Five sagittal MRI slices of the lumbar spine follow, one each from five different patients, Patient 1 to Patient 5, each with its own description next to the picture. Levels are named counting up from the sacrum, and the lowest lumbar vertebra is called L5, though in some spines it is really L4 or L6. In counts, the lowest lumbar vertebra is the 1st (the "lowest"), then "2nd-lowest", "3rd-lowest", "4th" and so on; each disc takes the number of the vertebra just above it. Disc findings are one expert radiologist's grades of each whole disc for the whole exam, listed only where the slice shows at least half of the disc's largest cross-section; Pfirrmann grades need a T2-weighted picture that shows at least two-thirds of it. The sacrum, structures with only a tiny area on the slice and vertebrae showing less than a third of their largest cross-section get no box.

Patient 1 of 5:
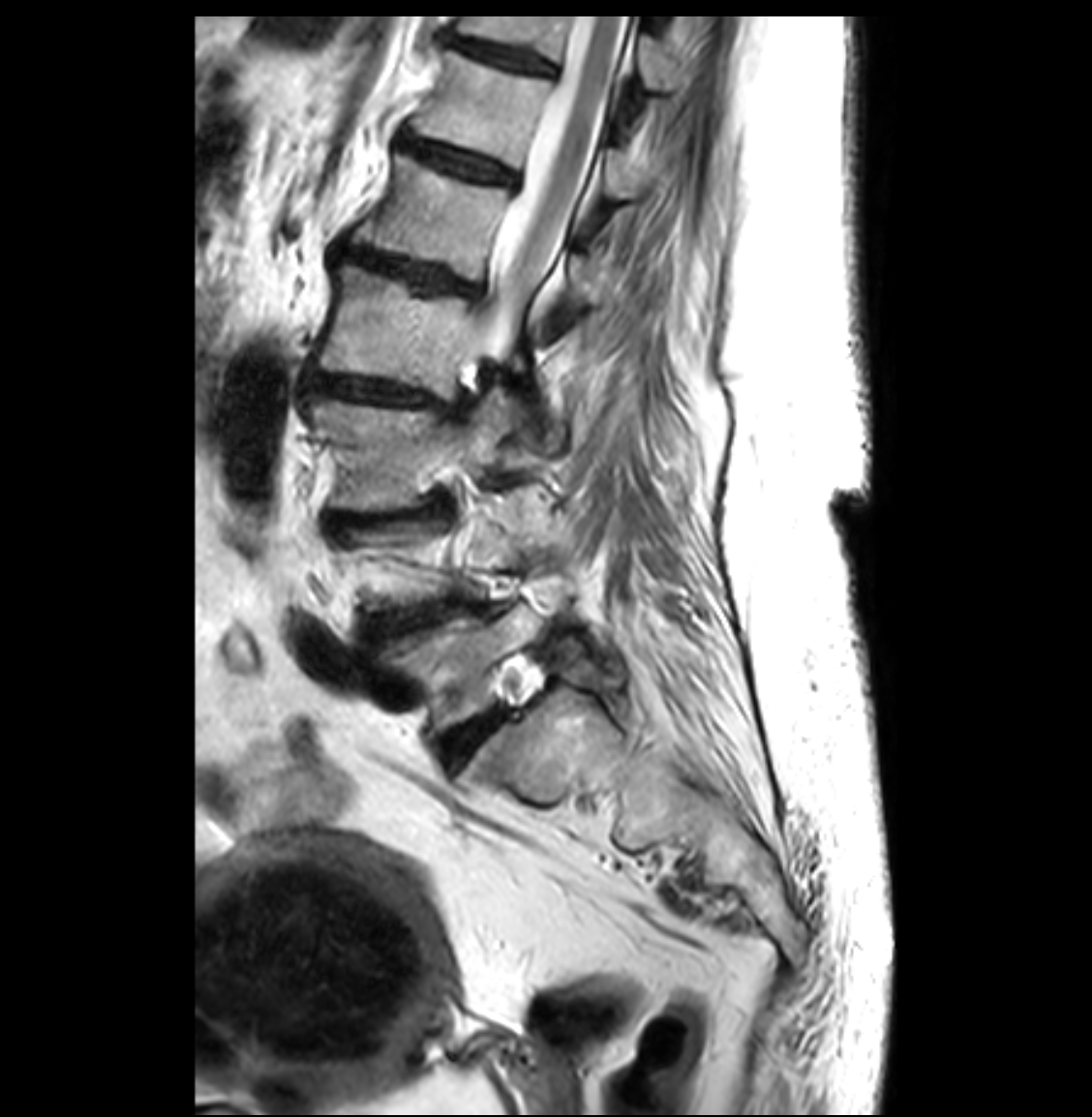
Lumbar spine MR, T2-weighted, sagittal
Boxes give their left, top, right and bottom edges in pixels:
Spinal canal: left=473, top=16, right=628, bottom=360.
T11 (7th vertebra): left=458, top=15, right=680, bottom=91.
Intervertebral disc L2/L3 (4th disc): left=307, top=375, right=447, bottom=408.
L2 (4th vertebra): left=317, top=265, right=523, bottom=398.
T12 (6th vertebra): left=412, top=49, right=638, bottom=198.
L1/L2 (5th disc): left=344, top=246, right=477, bottom=294.
Intervertebral disc L5/S1 (lowest disc): left=441, top=713, right=501, bottom=766.
Intervertebral disc L3/L4 (3rd-lowest disc): left=329, top=501, right=445, bottom=528.
L4/L5 (2nd-lowest disc): left=382, top=600, right=465, bottom=635.
L1 (5th vertebra): left=353, top=155, right=596, bottom=304.
L3 (3rd-lowest vertebra): left=305, top=391, right=513, bottom=510.
L5 (lowest vertebra): left=382, top=602, right=543, bottom=735.
T12/L1 (6th disc): left=403, top=136, right=513, bottom=182.
Intervertebral disc T11/T12 (7th disc): left=453, top=40, right=553, bottom=73.

Per-level radiological findings:
• L1/L2 (5th disc): disc bulging, upper-endplate change, lower-endplate change, disc narrowing
• L2/L3 (4th disc): Pfirrmann grade 4, disc narrowing, lower-endplate change, upper-endplate change, disc bulging
• T11/T12 (7th disc): Pfirrmann grade 4, disc narrowing
• T12/L1 (6th disc): Pfirrmann grade 4, disc bulging, disc narrowing

Patient 2 of 5:
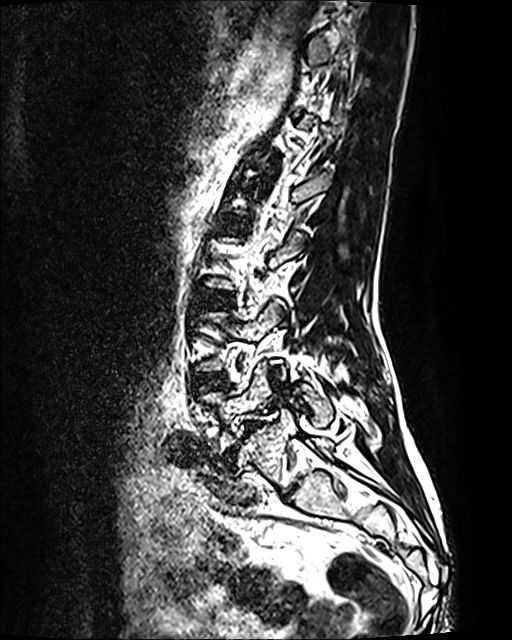 512x640 px. MRI lumbar spine (T2 SPACE (3D)), sagittal plane. Slice 82/120.
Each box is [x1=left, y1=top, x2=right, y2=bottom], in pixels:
L4: [x1=196, y1=302, x2=284, y2=379]
IVD L2/L3: [x1=220, y1=217, x2=238, y2=229]
L5 vertebra: [x1=201, y1=364, x2=332, y2=456]
L5/S1: [x1=213, y1=421, x2=260, y2=469]
L4/L5: [x1=191, y1=374, x2=224, y2=391]
IVD L3/L4: [x1=195, y1=291, x2=229, y2=309]

Degenerative findings by level:
• L5/S1: disc narrowing, spondylolisthesis, Modic type II, disc bulging

Patient 3 of 5:
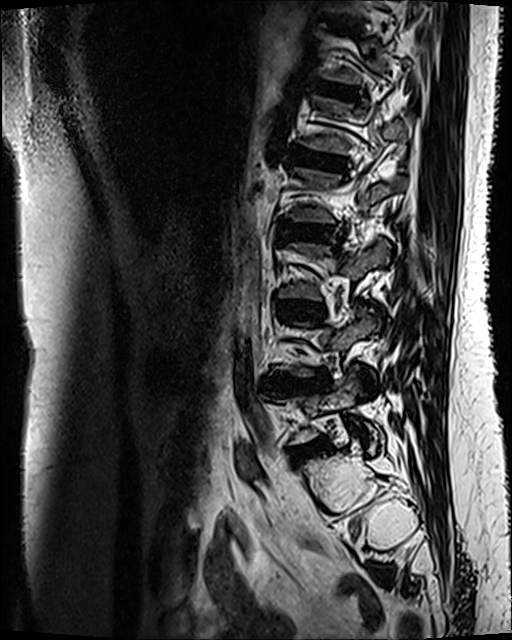
Sex F; Sagittal slice index 89; T2 SPACE (3D) sagittal MRI of the lumbar spine; Field of view 240x300 mm, slice spacing 0.9 mm
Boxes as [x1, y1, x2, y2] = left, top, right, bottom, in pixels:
T12/L1 at [318, 83, 355, 98] | intervertebral disc L5/S1 at [292, 438, 328, 461] | intervertebral disc L2/L3 at [282, 224, 341, 243] | intervertebral disc L1/L2 at [290, 148, 345, 171] | L3/L4 at [277, 301, 323, 316] | L4/L5 at [262, 376, 322, 392]

Per-level radiological findings:
- T12/L1: Modic type II
- L1/L2: Pfirrmann grade 3, Modic type II
- L3/L4: disc bulging, Modic type II
- L2/L3: Pfirrmann grade 3, disc bulging, Modic type II

Patient 4 of 5:
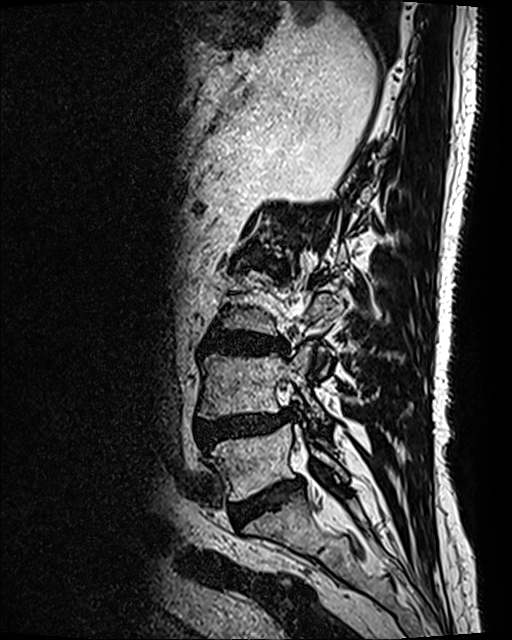 Patient sex: M. MRI lumbar spine (T2 SPACE (3D)), sagittal plane.

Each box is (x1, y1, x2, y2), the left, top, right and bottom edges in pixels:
Disc L5/S1 = (236, 478, 303, 520).
L5 vertebra = (214, 424, 347, 500).
L2/L3 = (264, 261, 281, 271).
L3/L4 = (204, 329, 286, 352).
L4 = (199, 343, 328, 424).
L4/L5 = (196, 414, 284, 449).

Per-level radiological findings:
• L4/L5: Pfirrmann grade 4, spondylolisthesis, disc bulging, upper-endplate change, Modic type II, lower-endplate change, disc narrowing, disc herniation
• L3/L4: Pfirrmann grade 4, upper-endplate change, disc bulging, lower-endplate change
• L5/S1: no Modic or endplate change, herniation, narrowing, bulging or spondylolisthesis recorded

Patient 5 of 5:
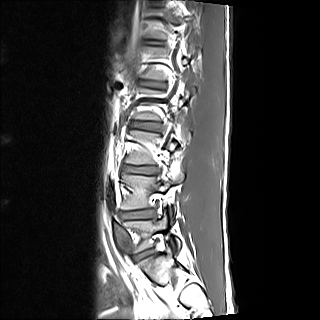
Sagittal slice index 11 | Sagittal T1-weighted lumbar spine MRI
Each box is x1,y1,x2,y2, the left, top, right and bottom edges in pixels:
lowest vertebra at 122,211,181,252 | lowest disc at 137,250,151,258 | 4th disc at 132,122,160,130 | 2nd-lowest vertebra at 121,171,183,212 | 3rd-lowest disc at 124,166,157,174 | 2nd-lowest disc at 121,211,154,218 | 5th disc at 143,82,162,87

Expert MSK radiologist gradings (per disc):
  3rd-lowest disc: upper-endplate change, disc narrowing, lower-endplate change
  4th disc: lower-endplate change
  2nd-lowest disc: disc bulging, lower-endplate change, upper-endplate change